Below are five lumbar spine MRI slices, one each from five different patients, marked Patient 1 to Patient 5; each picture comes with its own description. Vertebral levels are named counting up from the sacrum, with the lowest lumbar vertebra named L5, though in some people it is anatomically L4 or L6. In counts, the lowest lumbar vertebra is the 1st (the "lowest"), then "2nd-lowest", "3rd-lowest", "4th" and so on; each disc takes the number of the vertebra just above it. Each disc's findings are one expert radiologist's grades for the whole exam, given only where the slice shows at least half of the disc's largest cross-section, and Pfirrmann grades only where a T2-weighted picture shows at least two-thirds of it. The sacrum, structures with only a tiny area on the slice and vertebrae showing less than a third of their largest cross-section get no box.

Patient 1 of 5:
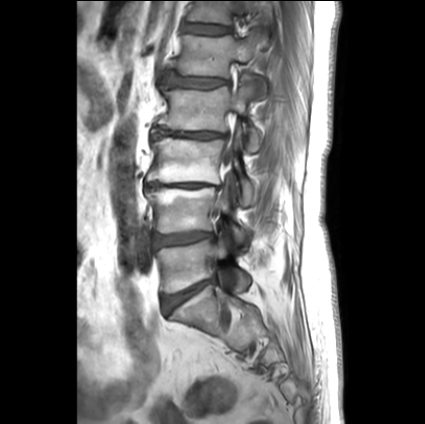 MRI lumbar spine (T1-weighted), sagittal plane | Patient sex: F | Slice 10/27
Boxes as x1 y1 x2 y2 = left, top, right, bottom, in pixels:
Segmented structures:
* 2nd-lowest disc: 154 232 212 247
* 6th vertebra: 189 1 263 24
* 2nd-lowest vertebra: 146 187 246 245
* 3rd-lowest disc: 146 183 218 188
* spinal canal: 221 148 233 164
* 6th disc: 185 24 228 34
* lowest vertebra: 158 237 249 293
* 5th vertebra: 176 35 267 97
* 4th vertebra: 159 76 260 150
* 3rd-lowest vertebra: 147 137 254 205
* 5th disc: 163 72 230 87
* lowest disc: 162 280 213 314
* 4th disc: 151 128 222 139

Per-level radiological findings:
• 2nd-lowest disc: disc bulging
• 5th disc: upper-endplate change, lower-endplate change, disc bulging
• lowest disc: disc bulging
• 4th disc: disc narrowing, lower-endplate change, disc bulging, upper-endplate change
• 3rd-lowest disc: disc bulging, lower-endplate change, upper-endplate change, Modic type II, disc narrowing
• 6th disc: no spondylolisthesis, narrowing, bulging, herniation, Modic or endplate change recorded

Patient 2 of 5:
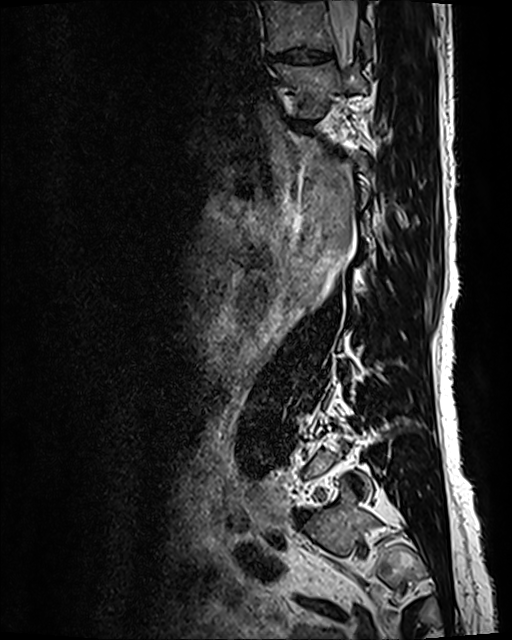 Sagittal slice index 99, T2 SPACE (3D) sagittal MRI of the lumbar spine

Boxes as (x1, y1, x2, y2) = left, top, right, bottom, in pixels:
Thecal sac / spinal canal at (330, 1, 359, 53), T10 (8th vertebra) at (264, 2, 370, 56), T11 (7th vertebra) at (275, 61, 368, 118), IVD T10/T11 (8th disc) at (266, 48, 331, 62).

Expert MSK radiologist gradings (per disc):
  T10/T11 (8th disc): Pfirrmann grade 3, disc bulging, disc narrowing

Patient 3 of 5:
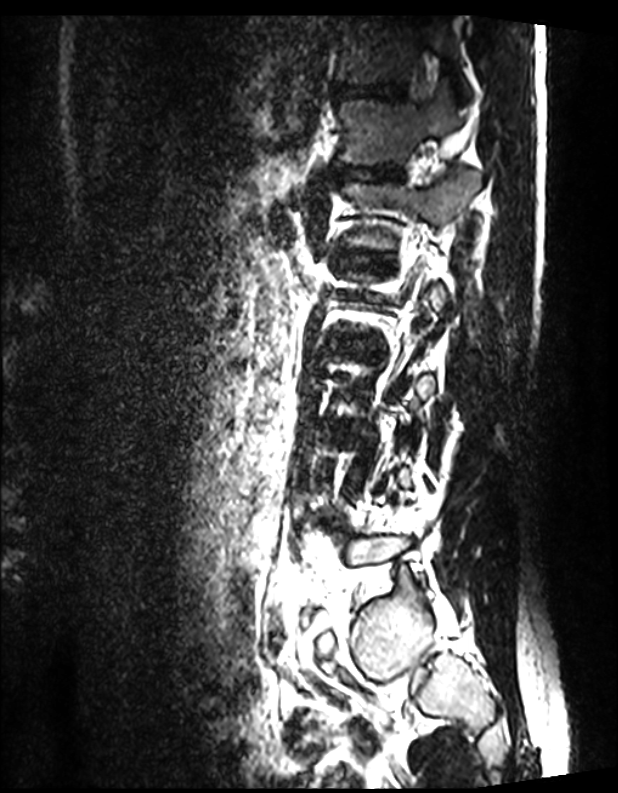 Patient sex: M, MRI lumbar spine (T2 SPACE (3D)), sagittal plane, Field of view 240x308 mm, slice spacing 0.9 mm

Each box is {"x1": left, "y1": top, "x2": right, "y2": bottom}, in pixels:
• 7th vertebra: {"x1": 339, "y1": 15, "x2": 468, "y2": 91}
• 6th disc: {"x1": 332, "y1": 166, "x2": 400, "y2": 179}
• 6th vertebra: {"x1": 341, "y1": 91, "x2": 464, "y2": 164}
• 5th disc: {"x1": 339, "y1": 253, "x2": 367, "y2": 263}
• 7th disc: {"x1": 334, "y1": 85, "x2": 405, "y2": 101}
• 5th vertebra: {"x1": 347, "y1": 176, "x2": 479, "y2": 247}

Per-level radiological findings:
  7th disc: Pfirrmann grade 1
  6th disc: Pfirrmann grade 1

Patient 4 of 5:
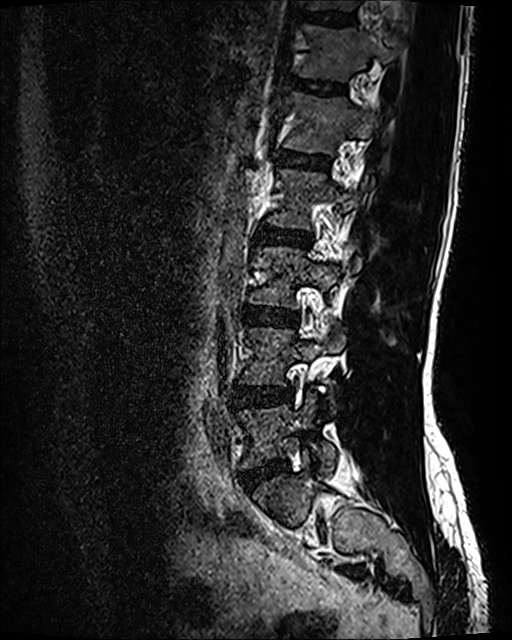
T2 SPACE (3D) sagittal MRI of the lumbar spine | Field of view 240x300 mm | Patient sex: M
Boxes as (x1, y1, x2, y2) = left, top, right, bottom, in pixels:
* L4 (2nd-lowest vertebra) at (240, 328, 344, 407)
* L1 (5th vertebra) at (283, 91, 377, 154)
* T11 (7th vertebra) at (302, 0, 359, 9)
* L1/L2 (5th disc) at (277, 151, 330, 170)
* disc L2/L3 (4th disc) at (256, 227, 312, 248)
* disc T11/T12 (7th disc) at (299, 10, 356, 26)
* L4/L5 (2nd-lowest disc) at (234, 384, 291, 406)
* L2 (4th vertebra) at (266, 169, 359, 230)
* T12 (6th vertebra) at (297, 24, 396, 81)
* disc T12/L1 (6th disc) at (294, 79, 346, 93)
* disc L5/S1 (lowest disc) at (241, 459, 287, 490)
* L3/L4 (3rd-lowest disc) at (244, 306, 297, 326)
* L5 (lowest vertebra) at (238, 393, 335, 471)
* L3 (3rd-lowest vertebra) at (248, 247, 361, 306)

Expert MSK radiologist gradings (per disc):
  T11/T12 (7th disc): Pfirrmann grade 2
  T12/L1 (6th disc): Pfirrmann grade 2
  L3/L4 (3rd-lowest disc): disc bulging
  L1/L2 (5th disc), L2/L3 (4th disc): no spondylolisthesis, narrowing, bulging, herniation, Modic or endplate change recorded

Patient 5 of 5:
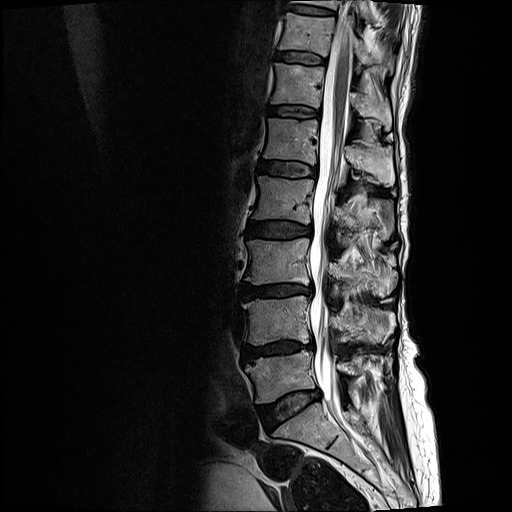 MRI lumbar spine (T2-weighted), sagittal plane, Slice 10/17
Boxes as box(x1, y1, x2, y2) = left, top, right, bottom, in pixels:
T10 at box(295, 0, 370, 20).
L1/L2 at box(259, 160, 316, 176).
L2 vertebra at box(254, 175, 393, 239).
T12/L1 at box(269, 105, 319, 117).
L5/S1 at box(260, 390, 320, 425).
T12 at box(271, 62, 392, 130).
L3 vertebra at box(245, 237, 395, 295).
T11 vertebra at box(279, 13, 392, 71).
IVD L3/L4 at box(242, 283, 313, 297).
IVD L4/L5 at box(243, 339, 313, 359).
L5 vertebra at box(246, 350, 358, 404).
L4 vertebra at box(243, 295, 394, 345).
Spinal canal at box(309, 23, 351, 427).
IVD T11/T12 at box(277, 51, 326, 62).
T10/T11 at box(291, 5, 334, 13).
L2/L3 at box(248, 218, 311, 237).
L1 at box(263, 118, 394, 186).

Degenerative findings by level:
- L3/L4: Pfirrmann grade 4, disc bulging, Modic type II, disc narrowing, upper-endplate change, lower-endplate change
- T11/T12: Pfirrmann grade 2, upper-endplate change, lower-endplate change, Modic type II
- T10/T11: Pfirrmann grade 2, lower-endplate change, upper-endplate change
- L5/S1: Pfirrmann grade 2, disc bulging
- L2/L3: Pfirrmann grade 3, upper-endplate change, lower-endplate change, disc bulging, Modic type II
- T12/L1: Pfirrmann grade 2, Modic type II, lower-endplate change, upper-endplate change
- L1/L2: Pfirrmann grade 3, upper-endplate change, Modic type II, lower-endplate change
- L4/L5: Pfirrmann grade 4, Modic type II, upper-endplate change, disc bulging, disc narrowing, lower-endplate change